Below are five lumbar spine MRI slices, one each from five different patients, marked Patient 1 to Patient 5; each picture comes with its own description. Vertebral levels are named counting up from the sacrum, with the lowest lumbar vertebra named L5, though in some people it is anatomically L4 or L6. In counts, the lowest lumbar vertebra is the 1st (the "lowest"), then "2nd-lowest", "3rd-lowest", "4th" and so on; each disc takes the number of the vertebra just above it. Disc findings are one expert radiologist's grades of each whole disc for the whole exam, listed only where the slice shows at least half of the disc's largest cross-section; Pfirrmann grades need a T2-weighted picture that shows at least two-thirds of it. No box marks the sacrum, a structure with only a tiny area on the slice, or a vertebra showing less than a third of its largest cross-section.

Patient 1 of 5:
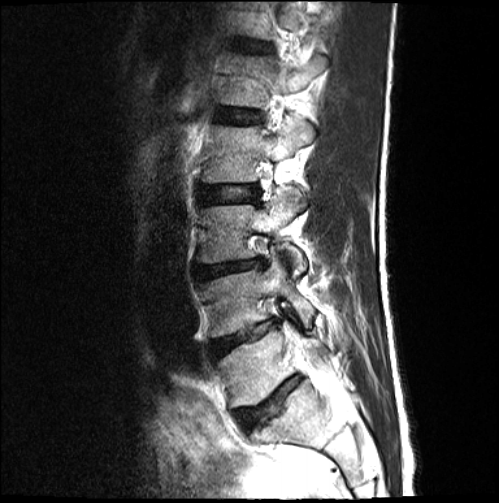

Sagittal T2-weighted lumbar spine MRI, Sagittal slice index 4, Sex M

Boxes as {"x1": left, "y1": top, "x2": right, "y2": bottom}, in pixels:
* L5/S1: {"x1": 237, "y1": 376, "x2": 301, "y2": 427}
* L1/L2: {"x1": 216, "y1": 107, "x2": 260, "y2": 123}
* L2/L3: {"x1": 199, "y1": 185, "x2": 256, "y2": 204}
* L2: {"x1": 203, "y1": 117, "x2": 314, "y2": 182}
* L3: {"x1": 198, "y1": 186, "x2": 306, "y2": 275}
* L4/L5: {"x1": 211, "y1": 321, "x2": 273, "y2": 356}
* T12/L1: {"x1": 250, "y1": 44, "x2": 264, "y2": 51}
* L1 vertebra: {"x1": 217, "y1": 55, "x2": 327, "y2": 108}
* L4: {"x1": 204, "y1": 258, "x2": 314, "y2": 336}
* L5: {"x1": 218, "y1": 321, "x2": 330, "y2": 405}
* IVD L3/L4: {"x1": 199, "y1": 260, "x2": 259, "y2": 278}

Per-level radiological findings:
- L4/L5: Pfirrmann grade 4, disc narrowing, disc bulging, upper-endplate change, lower-endplate change
- L2/L3: Pfirrmann grade 2
- L3/L4: disc narrowing, disc bulging, upper-endplate change, lower-endplate change
- L5/S1: lower-endplate change, disc narrowing, disc bulging, upper-endplate change
- L1/L2: Pfirrmann grade 2

Patient 2 of 5:
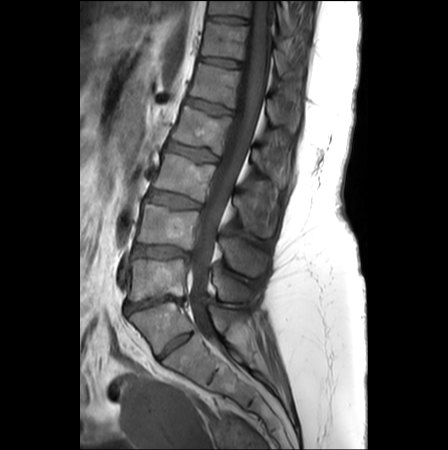 Lumbar spine MR, T1-weighted, sagittal. Slice spacing 3.3 mm. Slice 14/26.

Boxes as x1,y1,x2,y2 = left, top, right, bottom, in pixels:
Segmented structures:
• L5/S1 = 124,297,182,312
• T11/T12 = 208,15,244,23
• L3 vertebra = 153,153,274,237
• thecal sac / spinal canal = 189,1,271,336
• L4 = 136,204,266,277
• T12 vertebra = 201,22,301,76
• L2 vertebra = 171,106,287,187
• L4/L5 = 131,244,189,259
• L5 vertebra = 127,259,250,301
• L2/L3 = 166,141,217,162
• L1/L2 = 186,98,230,115
• IVD L3/L4 = 147,190,200,207
• L1 = 189,63,299,133
• IVD T12/L1 = 200,57,237,68
• T11 vertebra = 208,1,285,31

Radiological gradings:
• L3/L4: disc bulging, Modic type II
• L5/S1: spondylolisthesis, disc narrowing, Modic type II, disc bulging
• L2/L3: upper-endplate change, lower-endplate change
• L4/L5: disc bulging, disc herniation
• L1/L2: lower-endplate change, upper-endplate change
• T11/T12, T12/L1: no spondylolisthesis, narrowing, bulging, herniation, Modic or endplate change recorded

Patient 3 of 5:
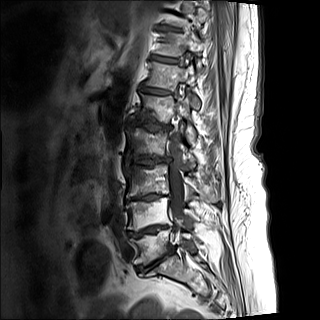
Image 320x320, Sagittal T1-weighted lumbar spine MRI
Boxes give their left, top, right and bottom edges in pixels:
6th disc at left=141, top=86, right=170, bottom=94; 3rd-lowest vertebra at left=123, top=164, right=217, bottom=201; lowest disc at left=136, top=247, right=175, bottom=270; lowest vertebra at left=130, top=229, right=197, bottom=265; 7th disc at left=152, top=56, right=177, bottom=62; 7th vertebra at left=155, top=33, right=202, bottom=56; 4th disc at left=128, top=156, right=169, bottom=167; 4th vertebra at left=126, top=127, right=195, bottom=167; 5th vertebra at left=134, top=94, right=196, bottom=142; thecal sac / spinal canal at left=168, top=98, right=184, bottom=241; 6th vertebra at left=146, top=62, right=200, bottom=108; 2nd-lowest disc at left=127, top=224, right=167, bottom=237; 3rd-lowest disc at left=125, top=193, right=169, bottom=202; 2nd-lowest vertebra at left=126, top=198, right=198, bottom=231; 8th disc at left=158, top=26, right=180, bottom=31; 5th disc at left=130, top=120, right=171, bottom=131.

Per-level radiological findings:
  7th disc: upper-endplate change
  8th disc: upper-endplate change
  2nd-lowest disc: upper-endplate change, disc bulging, lower-endplate change, Modic type II, disc narrowing
  5th disc: Modic type I, upper-endplate change, disc narrowing, disc bulging, lower-endplate change
  3rd-lowest disc: upper-endplate change, disc bulging, disc narrowing, lower-endplate change, Modic type II
  lowest disc: Modic type II, lower-endplate change, disc narrowing, disc bulging, upper-endplate change
  4th disc: upper-endplate change, disc narrowing, lower-endplate change, Modic type I, disc bulging
  6th disc: no Modic or endplate change, herniation, narrowing, bulging or spondylolisthesis recorded

Patient 4 of 5:
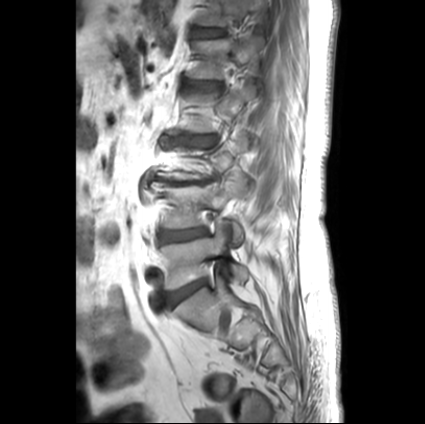 425x424 px. T1-weighted sagittal MRI of the lumbar spine.
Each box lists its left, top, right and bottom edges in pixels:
Annotations:
* L1/L2 (5th disc) — left=186, top=80, right=220, bottom=92
* IVD L2/L3 (4th disc) — left=171, top=136, right=210, bottom=143
* T12/L1 (6th disc) — left=198, top=29, right=223, bottom=37
* T12 (6th vertebra) — left=197, top=0, right=258, bottom=26
* IVD L4/L5 (2nd-lowest disc) — left=161, top=228, right=207, bottom=243
* IVD L5/S1 (lowest disc) — left=170, top=281, right=204, bottom=304
* L5 (lowest vertebra) — left=161, top=222, right=248, bottom=290
* L1 (5th vertebra) — left=189, top=33, right=264, bottom=79
* L3/L4 (3rd-lowest disc) — left=148, top=177, right=208, bottom=185
* L4 (2nd-lowest vertebra) — left=150, top=172, right=250, bottom=246

Degenerative findings by level:
  L1/L2 (5th disc): disc bulging, lower-endplate change, upper-endplate change
  L4/L5 (2nd-lowest disc): disc bulging

Patient 5 of 5:
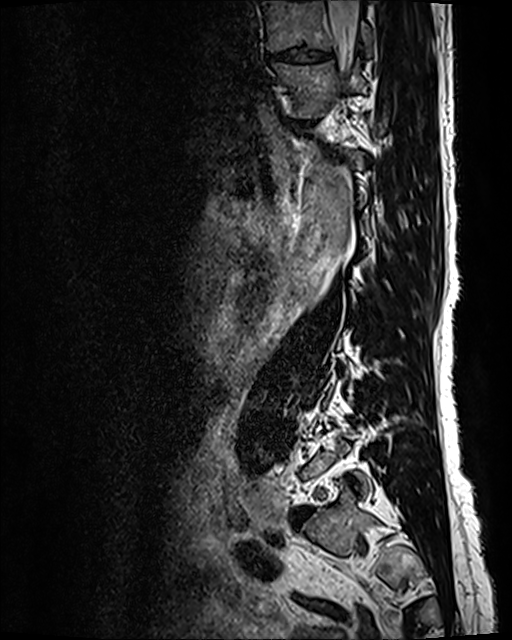 Lumbar spine MR, T2 SPACE (3D), sagittal

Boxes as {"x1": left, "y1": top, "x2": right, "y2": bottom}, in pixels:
Disc T10/T11 (8th disc) at {"x1": 266, "y1": 47, "x2": 331, "y2": 61}, T10 (8th vertebra) at {"x1": 263, "y1": 1, "x2": 371, "y2": 55}, T11 (7th vertebra) at {"x1": 273, "y1": 61, "x2": 367, "y2": 118}, thecal sac / spinal canal at {"x1": 329, "y1": 1, "x2": 360, "y2": 70}.

Per-level radiological findings:
  T10/T11 (8th disc): Pfirrmann grade 3, disc narrowing, disc bulging